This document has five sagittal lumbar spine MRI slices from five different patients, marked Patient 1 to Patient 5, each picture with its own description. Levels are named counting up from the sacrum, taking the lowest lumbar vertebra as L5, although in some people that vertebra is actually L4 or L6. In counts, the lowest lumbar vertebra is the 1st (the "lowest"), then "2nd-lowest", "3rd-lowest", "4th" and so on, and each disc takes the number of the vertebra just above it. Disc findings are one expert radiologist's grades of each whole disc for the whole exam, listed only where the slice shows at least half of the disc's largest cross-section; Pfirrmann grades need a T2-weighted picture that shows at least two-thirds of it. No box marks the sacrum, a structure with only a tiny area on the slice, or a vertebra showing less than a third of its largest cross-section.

Patient 1 of 5:
Sagittal T2-weighted lumbar spine MRI.
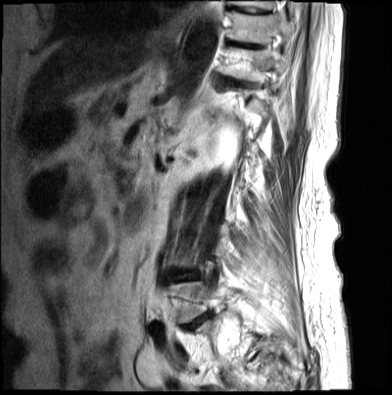

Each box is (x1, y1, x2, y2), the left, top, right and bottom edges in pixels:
T10/T11 at (228, 40, 261, 48), T11 at (220, 48, 285, 80), T11/T12 at (225, 78, 242, 85), T9/T10 at (234, 7, 266, 14), T10 at (228, 11, 291, 44), T9 at (228, 0, 273, 10).

Degenerative findings by level:
  T9/T10: no Modic or endplate change, herniation, narrowing, bulging or spondylolisthesis recorded

Patient 2 of 5:
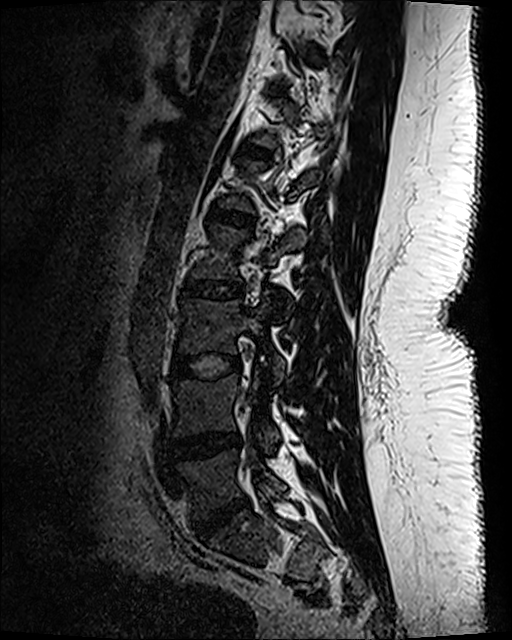
Lumbar spine MR, T2 SPACE (3D), sagittal, Image 512x640

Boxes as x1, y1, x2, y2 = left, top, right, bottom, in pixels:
* L5 vertebra — 178, 450, 285, 516
* L4/L5 — 171, 432, 239, 460
* IVD L5/S1 — 194, 497, 247, 538
* L4 — 173, 374, 280, 448
* IVD L2/L3 — 180, 276, 245, 298
* T12/L1 — 238, 141, 270, 160
* L2 vertebra — 193, 224, 305, 308
* L3 — 179, 298, 284, 380
* IVD L3/L4 — 169, 353, 239, 380
* IVD T11/T12 — 268, 86, 285, 93
* IVD L1/L2 — 205, 205, 255, 229

Expert MSK radiologist gradings (per disc):
- L4/L5: Pfirrmann grade 3, disc narrowing, disc bulging
- L5/S1: Pfirrmann grade 4, disc bulging, disc narrowing
- L2/L3: Pfirrmann grade 1
- L3/L4: Pfirrmann grade 1
- L1/L2: no herniation, bulging, narrowing, spondylolisthesis, endplate or Modic change recorded

Patient 3 of 5:
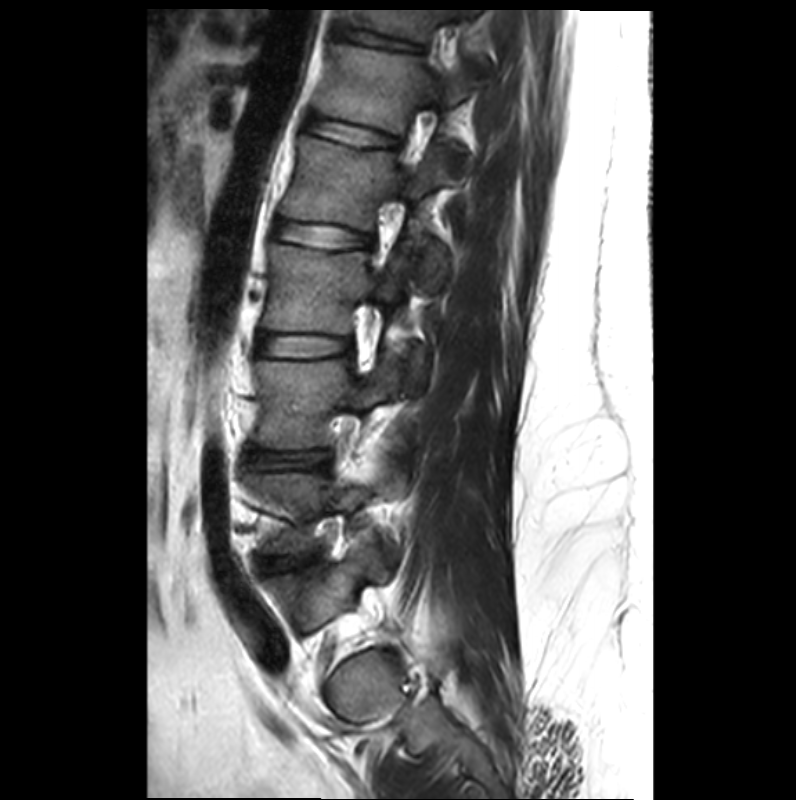 T2-weighted sagittal MRI of the lumbar spine; Patient sex: M; Slice 23 of 33
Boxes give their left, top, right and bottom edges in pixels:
L3 (3rd-lowest vertebra) at left=253, top=356, right=402, bottom=447; T12 (6th vertebra) at left=314, top=42, right=472, bottom=182; L1 (5th vertebra) at left=281, top=135, right=456, bottom=291; T11/T12 (7th disc) at left=334, top=22, right=421, bottom=51; L2 (4th vertebra) at left=263, top=241, right=427, bottom=387; IVD L4/L5 (2nd-lowest disc) at left=262, top=558, right=302, bottom=570; L2/L3 (4th disc) at left=256, top=333, right=352, bottom=356; L5 (lowest vertebra) at left=260, top=542, right=389, bottom=634; L1/L2 (5th disc) at left=273, top=220, right=371, bottom=248; L3/L4 (3rd-lowest disc) at left=245, top=448, right=330, bottom=467; L4 (2nd-lowest vertebra) at left=245, top=458, right=400, bottom=560; IVD T12/L1 (6th disc) at left=304, top=114, right=395, bottom=145; T11 (7th vertebra) at left=340, top=10, right=489, bottom=72.

Degenerative findings by level:
  L2/L3 (4th disc): Pfirrmann grade 2
  T12/L1 (6th disc): Pfirrmann grade 2, upper-endplate change, lower-endplate change
  T11/T12 (7th disc): Pfirrmann grade 2, lower-endplate change
  L1/L2 (5th disc): Pfirrmann grade 2, lower-endplate change, upper-endplate change
  L3/L4 (3rd-lowest disc): no herniation, bulging, narrowing, spondylolisthesis, endplate or Modic change recorded

Patient 4 of 5:
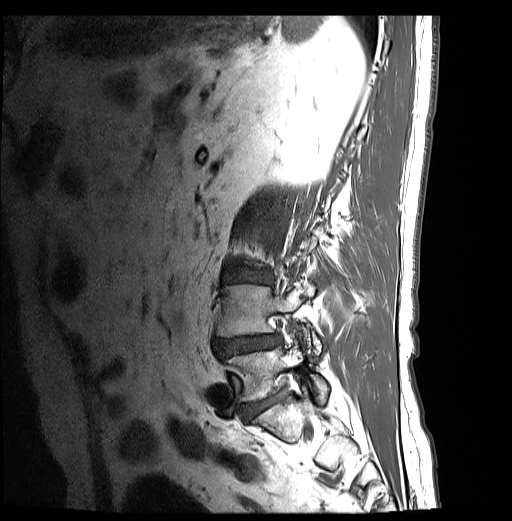 Sex M. Sagittal slice index 23. MRI lumbar spine (T1-weighted), sagittal plane. Field of view 300x305 mm, slice spacing 3.2 mm.
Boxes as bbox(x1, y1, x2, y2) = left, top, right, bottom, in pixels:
Lowest vertebra: bbox(226, 342, 328, 404).
2nd-lowest disc: bbox(217, 335, 281, 355).
Lowest disc: bbox(243, 395, 282, 422).
3rd-lowest disc: bbox(223, 270, 271, 283).
2nd-lowest vertebra: bbox(216, 284, 320, 354).

Degenerative findings by level:
  2nd-lowest disc: lower-endplate change, Modic type II, upper-endplate change, disc bulging, disc narrowing, disc herniation, spondylolisthesis

Patient 5 of 5:
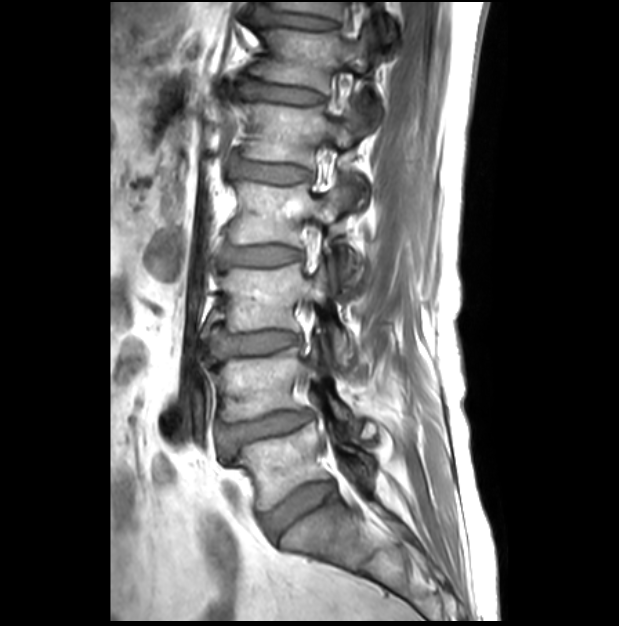

MRI lumbar spine (T1-weighted), sagittal plane | Sagittal slice index 10

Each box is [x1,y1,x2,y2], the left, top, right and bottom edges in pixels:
2nd-lowest vertebra: [211,347,361,431]
6th disc: [239,81,321,102]
3rd-lowest vertebra: [211,264,353,368]
lowest disc: [262,481,333,536]
7th disc: [262,12,333,29]
6th vertebra: [250,29,384,125]
7th vertebra: [273,1,341,17]
lowest vertebra: [235,417,375,508]
4th disc: [221,246,300,266]
3rd-lowest disc: [210,325,297,359]
2nd-lowest disc: [222,411,310,442]
4th vertebra: [229,182,358,280]
5th vertebra: [246,103,364,204]
5th disc: [229,153,310,182]

Radiological gradings:
- 2nd-lowest disc: spondylolisthesis, disc narrowing, lower-endplate change, upper-endplate change, disc bulging
- 7th disc, lowest disc, 3rd-lowest disc, 6th disc, 4th disc, 5th disc: no spondylolisthesis, narrowing, bulging, herniation, Modic or endplate change recorded